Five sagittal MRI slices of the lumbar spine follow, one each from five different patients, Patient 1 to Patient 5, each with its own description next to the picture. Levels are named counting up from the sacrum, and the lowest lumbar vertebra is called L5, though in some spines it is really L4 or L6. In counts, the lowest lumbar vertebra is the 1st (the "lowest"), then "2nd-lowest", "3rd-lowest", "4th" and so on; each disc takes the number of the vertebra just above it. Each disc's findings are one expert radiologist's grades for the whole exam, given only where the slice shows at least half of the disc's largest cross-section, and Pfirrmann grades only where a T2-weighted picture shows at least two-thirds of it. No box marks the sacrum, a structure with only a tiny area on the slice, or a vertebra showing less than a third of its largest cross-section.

Patient 1 of 5:
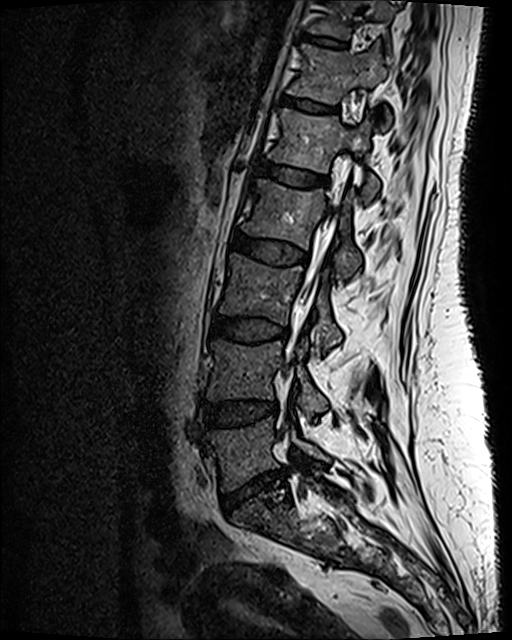
Field of view 240x300 mm, slice spacing 0.9 mm | Slice 73/120 | Sex F | MRI lumbar spine (T2 SPACE (3D)), sagittal plane | Image 512x640

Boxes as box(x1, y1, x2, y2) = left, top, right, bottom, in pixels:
6th disc: box(282, 96, 336, 112) | 2nd-lowest vertebra: box(208, 340, 326, 420) | 6th vertebra: box(288, 45, 390, 122) | 7th disc: box(307, 36, 348, 48) | 5th vertebra: box(268, 110, 379, 197) | 5th disc: box(256, 160, 327, 186) | lowest vertebra: box(207, 419, 329, 489) | lowest disc: box(222, 473, 284, 507) | 4th vertebra: box(241, 180, 361, 278) | 4th disc: box(231, 233, 307, 264) | 7th vertebra: box(308, 0, 393, 38) | 2nd-lowest disc: box(207, 402, 277, 426) | thecal sac / spinal canal: box(304, 208, 335, 297) | 3rd-lowest vertebra: box(220, 254, 341, 349) | 3rd-lowest disc: box(211, 317, 287, 340)

Expert MSK radiologist gradings (per disc):
  2nd-lowest disc: Pfirrmann grade 3, disc bulging
  lowest disc: upper-endplate change, disc narrowing, lower-endplate change, disc herniation
  3rd-lowest disc: Pfirrmann grade 3
  4th disc: Pfirrmann grade 3, disc bulging
  5th disc: Pfirrmann grade 2
  6th disc: no Modic or endplate change, herniation, narrowing, bulging or spondylolisthesis recorded

Patient 2 of 5:
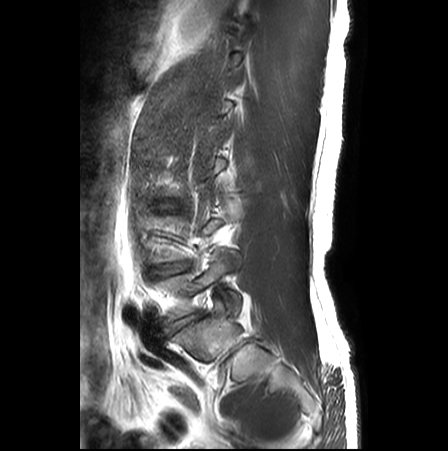 MRI lumbar spine (T2-weighted), sagittal plane. Sagittal slice index 21.

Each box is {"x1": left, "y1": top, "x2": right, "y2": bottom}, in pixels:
2nd-lowest disc at {"x1": 155, "y1": 262, "x2": 189, "y2": 275}, lowest vertebra at {"x1": 153, "y1": 252, "x2": 241, "y2": 324}, lowest disc at {"x1": 168, "y1": 313, "x2": 200, "y2": 333}.

Patient 3 of 5:
Patient sex: M, T1-weighted sagittal MRI of the lumbar spine, Field of view 280x280 mm 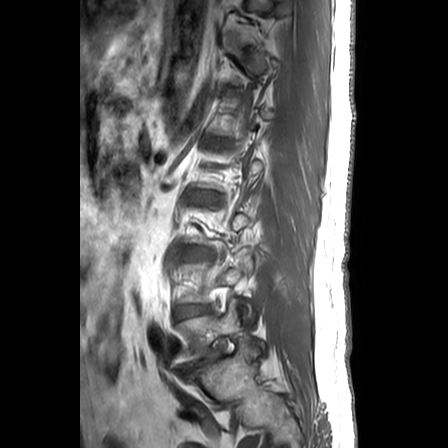

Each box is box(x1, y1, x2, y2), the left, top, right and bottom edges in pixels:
- lowest disc: box(179, 353, 220, 373)
- lowest vertebra: box(172, 299, 268, 367)
- 2nd-lowest disc: box(176, 306, 207, 318)

Patient 4 of 5:
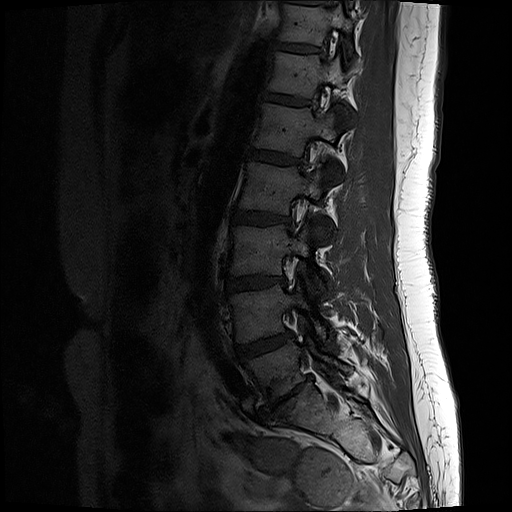 Patient sex: F; 512x512 px; T1-weighted sagittal MRI of the lumbar spine

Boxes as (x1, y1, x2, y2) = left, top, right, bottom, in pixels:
Structures:
* L1: (255, 102, 340, 178)
* L2: (239, 162, 320, 213)
* IVD L2/L3: (231, 209, 290, 224)
* L4 vertebra: (231, 284, 326, 341)
* L5/S1: (262, 380, 306, 418)
* T12 vertebra: (268, 51, 343, 97)
* T11: (279, 4, 352, 53)
* IVD L4/L5: (236, 331, 291, 359)
* L1/L2: (247, 150, 300, 164)
* T11/T12: (272, 42, 318, 52)
* L3/L4: (227, 275, 285, 292)
* L3: (231, 225, 323, 292)
* T12/L1: (264, 93, 307, 105)
* L5: (247, 340, 350, 403)

Expert MSK radiologist gradings (per disc):
  L3/L4: disc bulging
  L5/S1: disc bulging, disc herniation, upper-endplate change, Modic type III, lower-endplate change, disc narrowing
  L4/L5: disc bulging
  T11/T12, T12/L1, L2/L3, L1/L2: no herniation, bulging, narrowing, spondylolisthesis, endplate or Modic change recorded

Patient 5 of 5:
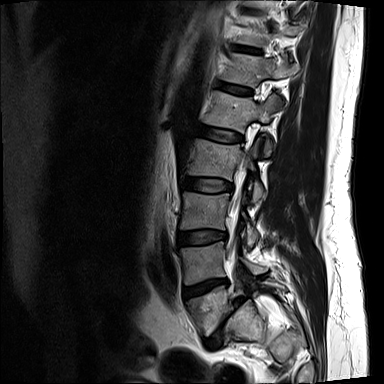

Slice 5/15; Sagittal T2-weighted lumbar spine MRI; 384x384 px

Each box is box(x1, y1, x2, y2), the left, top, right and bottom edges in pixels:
{"2nd-lowest vertebra": "box(180, 241, 263, 284)", "thecal sac / spinal canal": "box(230, 162, 244, 253)", "5th disc": "box(197, 125, 242, 141)", "6th disc": "box(218, 81, 251, 94)", "7th disc": "box(234, 45, 258, 53)", "3rd-lowest disc": "box(178, 230, 226, 246)", "lowest disc": "box(207, 298, 244, 348)", "3rd-lowest vertebra": "box(180, 192, 258, 247)", "4th vertebra": "box(188, 139, 269, 203)", "5th vertebra": "box(204, 91, 280, 154)", "2nd-lowest disc": "box(183, 279, 228, 299)", "lowest vertebra": "box(187, 278, 284, 334)", "7th vertebra": "box(238, 16, 307, 46)", "6th vertebra": "box(223, 53, 299, 87)", "4th disc": "box(183, 177, 232, 191)"}

Expert MSK radiologist gradings (per disc):
• 2nd-lowest disc: Pfirrmann grade 4, upper-endplate change, Modic type II, disc herniation, lower-endplate change, disc narrowing
• 7th disc: disc narrowing, lower-endplate change
• 5th disc: Pfirrmann grade 2, disc bulging
• 4th disc: Pfirrmann grade 2, disc bulging
• lowest disc: spondylolisthesis, upper-endplate change, lower-endplate change, Modic type II, disc narrowing, disc bulging
• 6th disc: Pfirrmann grade 2
• 3rd-lowest disc: Pfirrmann grade 2, disc bulging